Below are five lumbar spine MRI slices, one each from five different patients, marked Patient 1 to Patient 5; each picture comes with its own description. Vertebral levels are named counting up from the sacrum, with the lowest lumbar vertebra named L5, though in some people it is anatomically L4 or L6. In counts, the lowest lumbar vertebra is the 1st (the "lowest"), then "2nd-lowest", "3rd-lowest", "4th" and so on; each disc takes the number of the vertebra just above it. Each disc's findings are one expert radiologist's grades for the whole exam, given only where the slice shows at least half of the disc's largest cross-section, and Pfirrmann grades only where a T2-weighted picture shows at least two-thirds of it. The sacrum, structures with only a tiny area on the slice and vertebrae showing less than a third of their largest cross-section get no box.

Patient 1 of 5:
Sex F, T2-weighted sagittal MRI of the lumbar spine 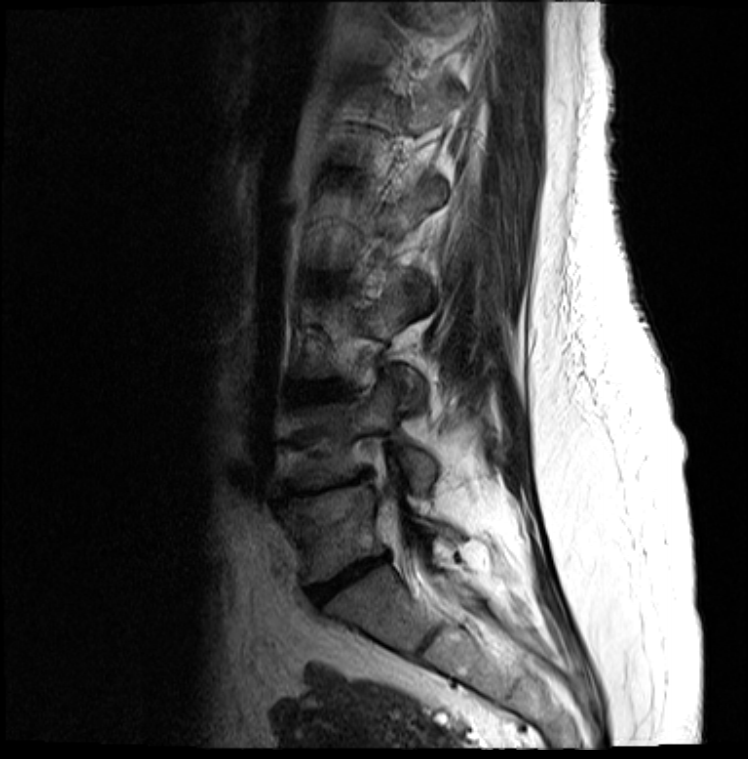

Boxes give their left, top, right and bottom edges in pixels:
• lowest disc: left=312, top=559, right=383, bottom=601
• 2nd-lowest vertebra: left=292, top=381, right=436, bottom=494
• lowest vertebra: left=285, top=484, right=459, bottom=580
• 3rd-lowest disc: left=298, top=382, right=342, bottom=400
• 2nd-lowest disc: left=285, top=474, right=363, bottom=499

Degenerative findings by level:
• 2nd-lowest disc: Pfirrmann grade 5, disc narrowing, upper-endplate change, lower-endplate change, disc bulging
• lowest disc: lower-endplate change, upper-endplate change, disc bulging, disc narrowing

Patient 2 of 5:
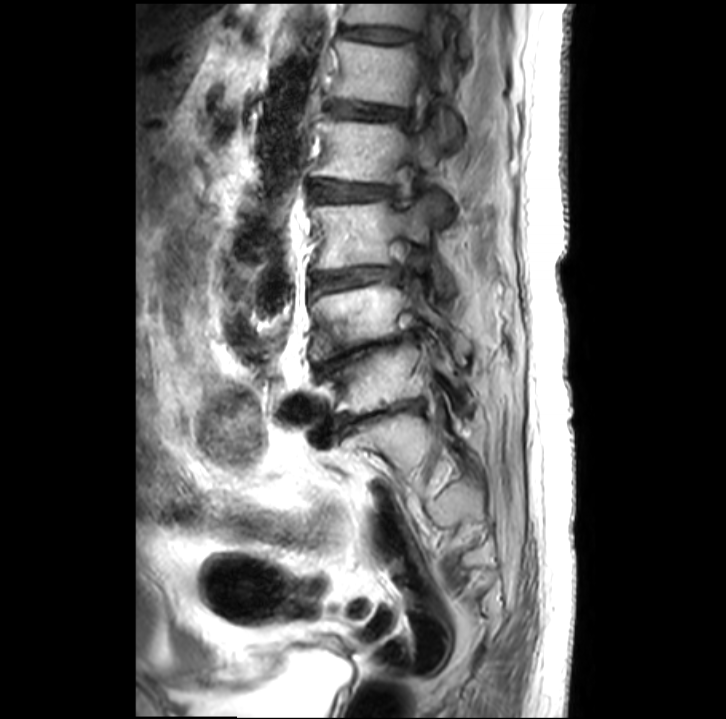 Field of view 285x282 mm, slice spacing 3.4 mm | Patient sex: F | Sagittal T2-weighted lumbar spine MRI | 726x719 px | Slice 21/32
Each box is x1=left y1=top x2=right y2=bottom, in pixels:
Structures:
- L3: x1=312 y1=194 x2=453 y2=294
- spinal canal: x1=423 y1=55 x2=433 y2=83
- intervertebral disc L1/L2: x1=329 y1=101 x2=404 y2=117
- intervertebral disc L4/L5: x1=316 y1=332 x2=413 y2=371
- L5: x1=321 y1=340 x2=473 y2=414
- intervertebral disc L3/L4: x1=312 y1=268 x2=398 y2=289
- L2 vertebra: x1=312 y1=114 x2=449 y2=216
- L4 vertebra: x1=311 y1=277 x2=470 y2=362
- L2/L3: x1=313 y1=180 x2=392 y2=198
- T12/L1: x1=344 y1=28 x2=412 y2=41
- T12 vertebra: x1=344 y1=3 x2=468 y2=53
- L5/S1: x1=335 y1=400 x2=422 y2=432
- L1 vertebra: x1=329 y1=38 x2=461 y2=140

Degenerative findings by level:
- L1/L2: Pfirrmann grade 4, disc bulging, disc narrowing
- L5/S1: Pfirrmann grade 5, Modic type II, disc narrowing
- T12/L1: Pfirrmann grade 2, disc bulging
- L4/L5: Pfirrmann grade 5, disc narrowing
- L3/L4: Pfirrmann grade 3, disc narrowing, Modic type II
- L2/L3: Pfirrmann grade 2

Patient 3 of 5:
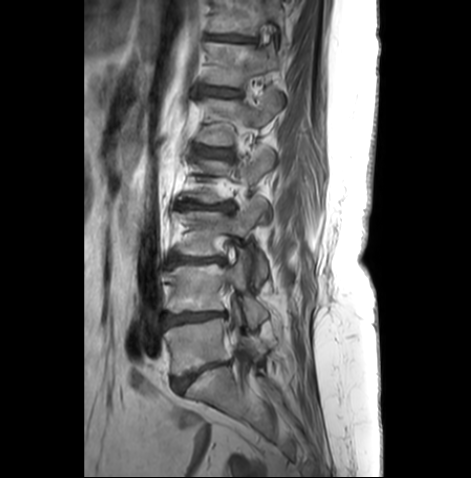

Sagittal T1-weighted lumbar spine MRI; Image 471x478; Slice spacing 3.3 mm
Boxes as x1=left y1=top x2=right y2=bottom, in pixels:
Structures:
* IVD T12/L1 — x1=202 y1=87 x2=240 y2=96
* L1 vertebra — x1=197 y1=88 x2=280 y2=144
* L1/L2 — x1=195 y1=145 x2=226 y2=155
* T11 — x1=209 y1=0 x2=285 y2=40
* L4 vertebra — x1=168 y1=252 x2=267 y2=326
* IVD L4/L5 — x1=166 y1=311 x2=225 y2=323
* L3 — x1=180 y1=198 x2=268 y2=288
* L5/S1 — x1=174 y1=363 x2=226 y2=392
* T12 — x1=207 y1=40 x2=287 y2=85
* L3/L4 — x1=169 y1=255 x2=225 y2=263
* IVD T11/T12 — x1=208 y1=34 x2=254 y2=42
* L2/L3 — x1=177 y1=201 x2=234 y2=211
* spinal canal — x1=231 y1=329 x2=245 y2=349
* L5 — x1=164 y1=309 x2=267 y2=374

Radiological gradings:
- L5/S1: Modic type II, disc narrowing, disc bulging
- L4/L5: Modic type II, lower-endplate change, disc narrowing, disc bulging, upper-endplate change
- L2/L3: lower-endplate change, Modic type II, upper-endplate change, disc narrowing, disc bulging
- T11/T12: disc bulging, upper-endplate change, lower-endplate change

Patient 4 of 5:
Patient sex: M. Lumbar spine MR, T1-weighted, sagittal. Field of view 300x300 mm, slice spacing 3.3 mm.

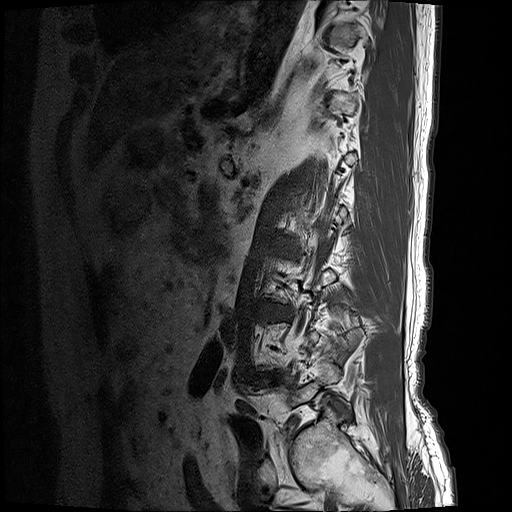 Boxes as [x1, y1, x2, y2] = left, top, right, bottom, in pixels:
Intervertebral disc L4/L5: [258, 373, 281, 383].
Intervertebral disc L3/L4: [262, 303, 291, 316].

Patient 5 of 5:
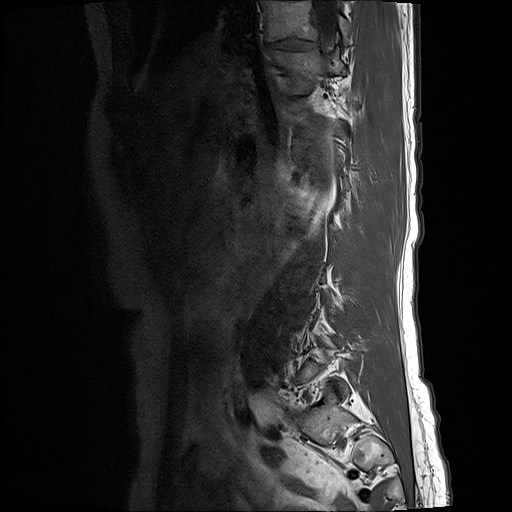 Lumbar spine MR, T1-weighted, sagittal.

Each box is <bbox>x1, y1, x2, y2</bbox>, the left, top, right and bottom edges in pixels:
Segmented structures:
- T10 (8th vertebra) — <bbox>263, 2, 346, 46</bbox>
- thecal sac / spinal canal — <bbox>316, 1, 337, 38</bbox>
- T11 (7th vertebra) — <bbox>273, 49, 347, 94</bbox>
- intervertebral disc T10/T11 (8th disc) — <bbox>266, 39, 316, 50</bbox>

Radiological gradings:
- T10/T11 (8th disc): disc bulging, disc narrowing